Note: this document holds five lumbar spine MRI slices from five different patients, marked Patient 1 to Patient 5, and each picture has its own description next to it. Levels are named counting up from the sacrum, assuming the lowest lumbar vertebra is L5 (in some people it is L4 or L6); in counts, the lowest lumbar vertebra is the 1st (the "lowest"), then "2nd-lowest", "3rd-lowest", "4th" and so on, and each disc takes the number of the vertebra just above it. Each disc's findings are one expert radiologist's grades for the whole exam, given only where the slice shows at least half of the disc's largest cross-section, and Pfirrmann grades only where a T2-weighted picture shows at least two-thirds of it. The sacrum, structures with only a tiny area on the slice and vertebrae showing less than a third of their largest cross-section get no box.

Patient 1 of 5:
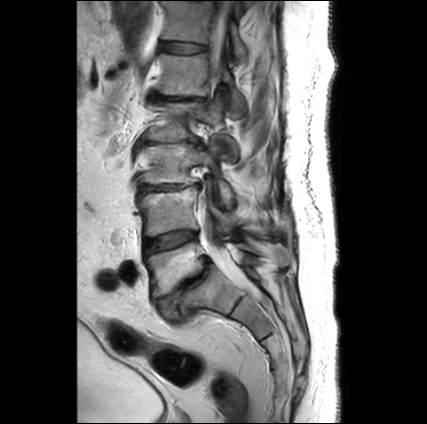 Slice 18 of 30; Lumbar spine MR, T2-weighted, sagittal; Slice spacing 3.3 mm
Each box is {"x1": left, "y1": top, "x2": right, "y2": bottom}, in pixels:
Segmented structures:
- L2 (4th vertebra) = {"x1": 145, "y1": 97, "x2": 237, "y2": 153}
- L1 (5th vertebra) = {"x1": 155, "y1": 53, "x2": 244, "y2": 113}
- IVD L5/S1 (lowest disc) = {"x1": 157, "y1": 257, "x2": 210, "y2": 315}
- IVD L3/L4 (3rd-lowest disc) = {"x1": 141, "y1": 184, "x2": 199, "y2": 193}
- spinal canal = {"x1": 199, "y1": 1, "x2": 257, "y2": 294}
- T12 (6th vertebra) = {"x1": 161, "y1": 1, "x2": 246, "y2": 60}
- L5 (lowest vertebra) = {"x1": 145, "y1": 242, "x2": 289, "y2": 298}
- L4 (2nd-lowest vertebra) = {"x1": 139, "y1": 187, "x2": 269, "y2": 236}
- IVD L4/L5 (2nd-lowest disc) = {"x1": 143, "y1": 230, "x2": 196, "y2": 254}
- L3 (3rd-lowest vertebra) = {"x1": 142, "y1": 140, "x2": 233, "y2": 205}
- L1/L2 (5th disc) = {"x1": 149, "y1": 93, "x2": 205, "y2": 100}
- T12/L1 (6th disc) = {"x1": 160, "y1": 42, "x2": 206, "y2": 52}

Radiological gradings:
• L3/L4 (3rd-lowest disc): disc bulging, upper-endplate change, Modic type II, lower-endplate change, disc narrowing
• L5/S1 (lowest disc): Pfirrmann grade 5, disc narrowing, lower-endplate change, spondylolisthesis, disc bulging, upper-endplate change, Modic type II
• L1/L2 (5th disc): Pfirrmann grade 5, Modic type II, upper-endplate change, disc bulging, disc narrowing, disc herniation, lower-endplate change
• L4/L5 (2nd-lowest disc): Pfirrmann grade 3, Modic type II
• T12/L1 (6th disc): Pfirrmann grade 2

Patient 2 of 5:
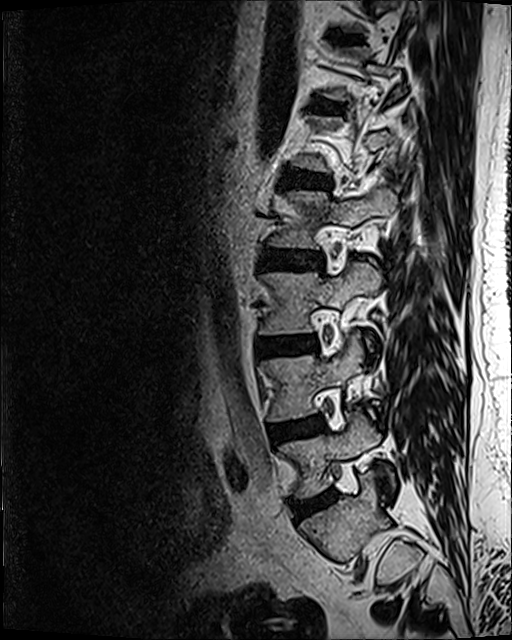 Lumbar spine MR, T2 SPACE (3D), sagittal.

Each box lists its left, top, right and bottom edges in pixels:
Annotations:
• L4 at left=264, top=332, right=363, bottom=421
• L3 at left=260, top=263, right=382, bottom=347
• L5/S1 at left=290, top=490, right=335, bottom=522
• L1/L2 at left=282, top=170, right=330, bottom=188
• intervertebral disc T11/T12 at left=336, top=35, right=362, bottom=43
• L4/L5 at left=269, top=421, right=323, bottom=444
• L2 vertebra at left=269, top=187, right=396, bottom=248
• intervertebral disc T12/L1 at left=311, top=101, right=343, bottom=112
• L5 vertebra at left=280, top=408, right=379, bottom=497
• intervertebral disc L2/L3 at left=263, top=248, right=320, bottom=269
• L3/L4 at left=260, top=339, right=313, bottom=355

Radiological gradings:
- L2/L3: disc bulging
- L4/L5: disc bulging, Modic type II
- L3/L4: Modic type II, disc bulging
- L1/L2: disc bulging

Patient 3 of 5:
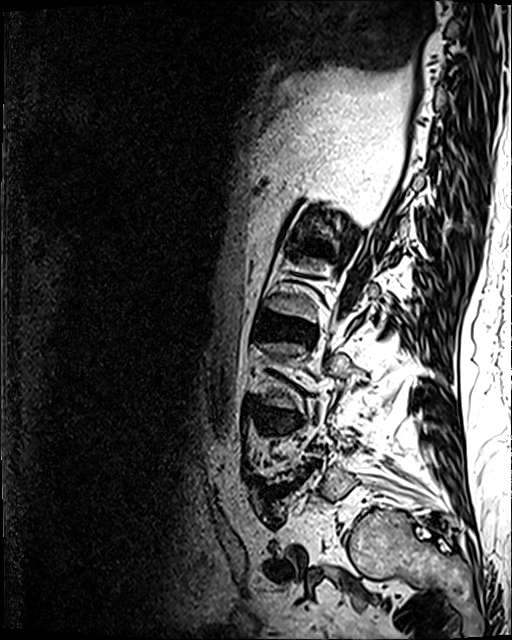 Sagittal slice index 27, MRI lumbar spine (T2 SPACE (3D)), sagittal plane, Image 512x640, Patient sex: M
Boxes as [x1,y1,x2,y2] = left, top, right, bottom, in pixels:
Intervertebral disc L2/L3 at [269,319,314,336], intervertebral disc L4/L5 at [265,484,293,502], L3/L4 at [276,416,299,424].

Patient 4 of 5:
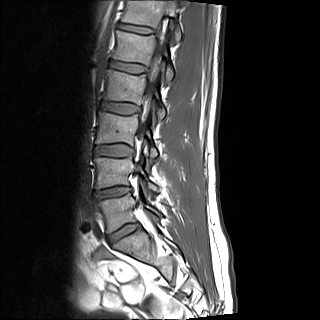

Field of view 280x280 mm, slice spacing 4.8 mm, Sex M, Slice 7 of 15, MRI lumbar spine (T1-weighted), sagittal plane

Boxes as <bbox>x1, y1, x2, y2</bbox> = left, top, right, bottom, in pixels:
{"intervertebral disc L3/L4": "<bbox>95, 145, 131, 156</bbox>", "L3": "<bbox>96, 112, 157, 160</bbox>", "intervertebral disc L2/L3": "<bbox>99, 101, 139, 114</bbox>", "spinal canal": "<bbox>140, 37, 164, 132</bbox>", "L4/L5": "<bbox>95, 186, 131, 200</bbox>", "T12": "<bbox>122, 0, 182, 42</bbox>", "L4": "<bbox>94, 157, 158, 191</bbox>", "L1/L2": "<bbox>109, 60, 146, 73</bbox>", "L1": "<bbox>112, 30, 173, 83</bbox>", "intervertebral disc T12/L1": "<bbox>119, 23, 154, 33</bbox>", "L2 vertebra": "<bbox>104, 69, 165, 120</bbox>", "L5/S1": "<bbox>108, 223, 139, 243</bbox>", "L5 vertebra": "<bbox>97, 193, 161, 232</bbox>"}

Per-level radiological findings:
• L5/S1: disc bulging
• L4/L5: disc narrowing, disc herniation
• L3/L4, L1/L2, L2/L3, T12/L1: no Modic or endplate change, herniation, narrowing, bulging or spondylolisthesis recorded

Patient 5 of 5:
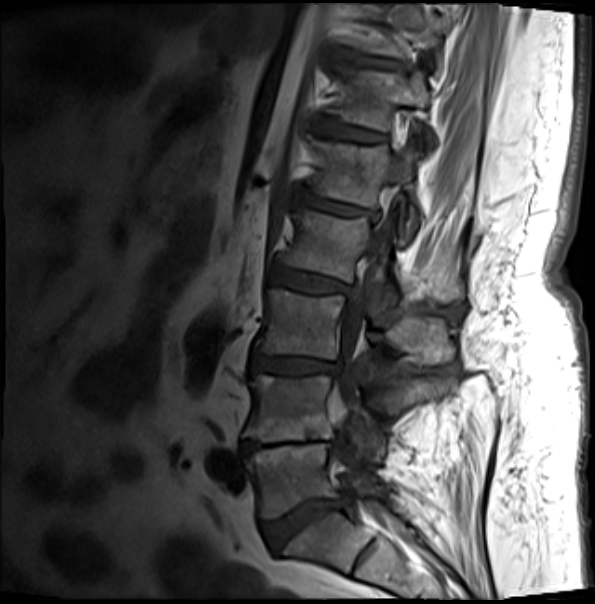 Lumbar spine MR, T1-weighted, sagittal, Slice 10/20

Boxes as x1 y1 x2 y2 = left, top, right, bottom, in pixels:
2nd-lowest vertebra at 244 375 386 445, 2nd-lowest disc at 240 436 341 454, 4th disc at 270 267 349 292, lowest vertebra at 246 443 406 518, 5th vertebra at 309 141 419 244, lowest disc at 260 499 339 551, 3rd-lowest vertebra at 255 289 444 360, 3rd-lowest disc at 251 355 339 374, 4th vertebra at 277 210 462 305, 6th disc at 318 121 386 143, spinal canal at 331 169 403 534, 7th disc at 339 52 403 69, 5th disc at 296 192 373 217, 6th vertebra at 331 69 434 148.

Degenerative findings by level:
• 2nd-lowest disc: disc bulging, upper-endplate change, Modic type II, lower-endplate change, disc narrowing
• 3rd-lowest disc: lower-endplate change, disc bulging, disc narrowing, Modic type II, upper-endplate change
• lowest disc: Modic type II, lower-endplate change, disc narrowing, upper-endplate change, disc bulging
• 6th disc: upper-endplate change, Modic type II, lower-endplate change
• 5th disc: disc bulging, upper-endplate change, lower-endplate change, Modic type II
• 4th disc: lower-endplate change, Modic type II, disc bulging, upper-endplate change
• 7th disc: upper-endplate change, lower-endplate change, disc bulging, Modic type II